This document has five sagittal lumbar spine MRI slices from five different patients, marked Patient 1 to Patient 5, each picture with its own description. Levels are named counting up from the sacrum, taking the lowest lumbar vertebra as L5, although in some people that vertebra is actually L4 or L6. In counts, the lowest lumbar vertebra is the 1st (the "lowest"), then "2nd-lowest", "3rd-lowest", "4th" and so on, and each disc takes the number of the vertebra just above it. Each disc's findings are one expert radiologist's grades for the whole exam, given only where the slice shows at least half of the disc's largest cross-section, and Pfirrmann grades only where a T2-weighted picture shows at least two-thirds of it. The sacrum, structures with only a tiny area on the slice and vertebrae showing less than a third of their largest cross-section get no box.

Patient 1 of 5:
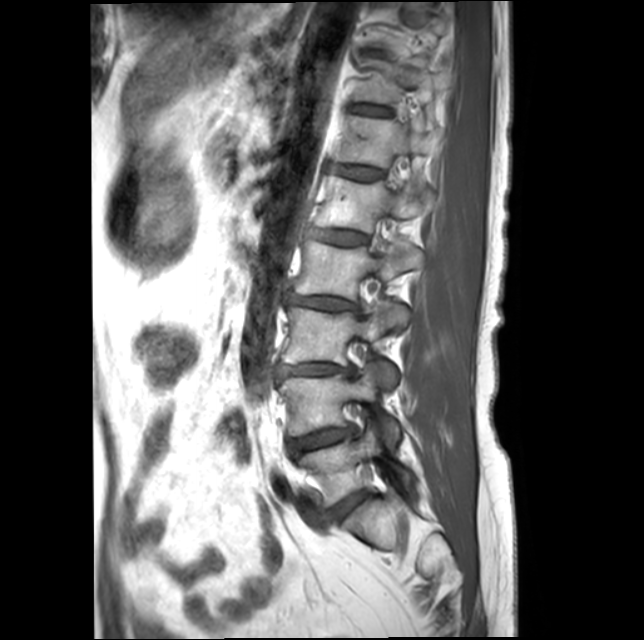 Sex F | Sagittal T1-weighted lumbar spine MRI | Field of view 310x308 mm
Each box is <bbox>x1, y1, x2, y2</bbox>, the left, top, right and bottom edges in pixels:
{"2nd-lowest disc": "<bbox>288, 427, 354, 456</bbox>", "6th vertebra": "<bbox>335, 114, 425, 192</bbox>", "lowest vertebra": "<bbox>298, 426, 410, 505</bbox>", "4th vertebra": "<bbox>293, 241, 422, 329</bbox>", "5th disc": "<bbox>314, 231, 367, 244</bbox>", "7th disc": "<bbox>353, 104, 391, 115</bbox>", "3rd-lowest disc": "<bbox>278, 364, 352, 375</bbox>", "4th disc": "<bbox>288, 295, 355, 309</bbox>", "6th disc": "<bbox>331, 165, 382, 180</bbox>", "3rd-lowest vertebra": "<bbox>281, 300, 399, 384</bbox>", "5th vertebra": "<bbox>314, 175, 419, 233</bbox>", "7th vertebra": "<bbox>353, 61, 436, 116</bbox>", "lowest disc": "<bbox>331, 491, 367, 518</bbox>", "2nd-lowest vertebra": "<bbox>279, 365, 399, 445</bbox>"}

Per-level radiological findings:
• 2nd-lowest disc: upper-endplate change, Modic type II, lower-endplate change, disc bulging
• 3rd-lowest disc: upper-endplate change, lower-endplate change, disc bulging, Modic type II, disc narrowing
• 4th disc: lower-endplate change, Modic type II, disc bulging, disc narrowing, upper-endplate change
• 5th disc: Modic type II
• 7th disc, 6th disc: no herniation, bulging, narrowing, spondylolisthesis, endplate or Modic change recorded

Patient 2 of 5:
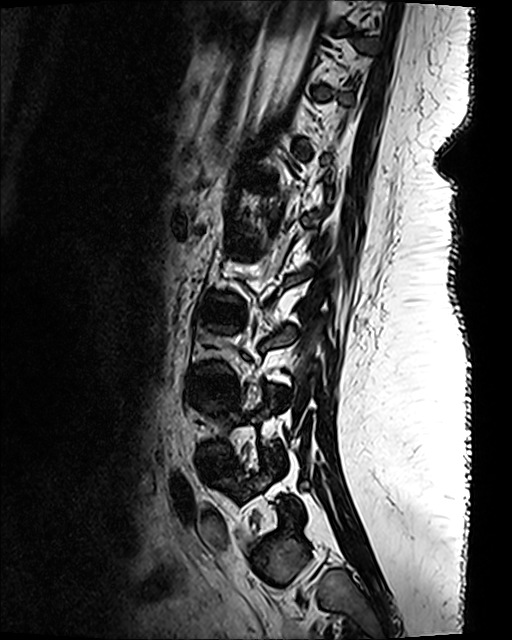 Lumbar spine MR, T2 SPACE (3D), sagittal | Patient sex: F
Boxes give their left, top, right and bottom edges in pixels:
- intervertebral disc L4/L5: left=201, top=454, right=234, bottom=475
- L4 vertebra: left=200, top=387, right=282, bottom=456
- L3/L4: left=197, top=374, right=234, bottom=395

Patient 3 of 5:
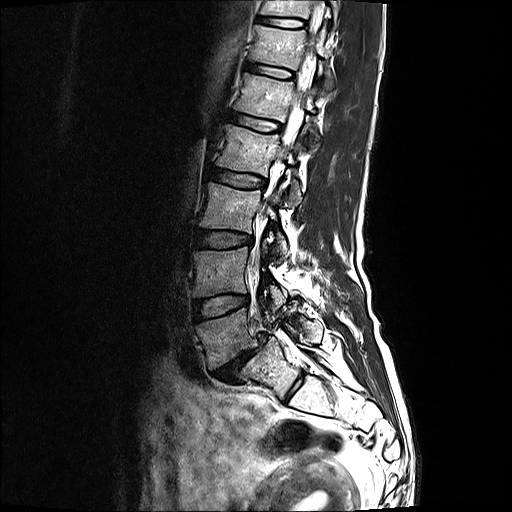 Slice 6 of 17; T2-weighted sagittal MRI of the lumbar spine; Field of view 300x300 mm, slice spacing 3.3 mm

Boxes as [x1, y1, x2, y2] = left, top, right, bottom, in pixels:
{"thecal sac / spinal canal": "[251, 0, 325, 274]", "disc L2/L3": "[210, 167, 267, 188]", "disc L3/L4": "[196, 229, 252, 248]", "L2": "[218, 125, 302, 205]", "disc L4/L5": "[192, 294, 248, 319]", "L5": "[197, 308, 323, 369]", "T12 vertebra": "[250, 23, 335, 90]", "L4 vertebra": "[195, 242, 287, 312]", "disc T12/L1": "[245, 62, 294, 78]", "T11": "[259, 0, 338, 27]", "L1 vertebra": "[236, 73, 320, 146]", "disc T11/T12": "[258, 16, 305, 27]", "L3": "[201, 182, 288, 257]", "disc L5/S1": "[212, 334, 268, 382]", "L1/L2": "[230, 112, 280, 131]"}

Per-level radiological findings:
- L4/L5: Pfirrmann grade 2
- L1/L2: Pfirrmann grade 2
- L5/S1: Pfirrmann grade 5, Modic type II, disc narrowing, spondylolisthesis, disc bulging
- L2/L3: Pfirrmann grade 2
- L3/L4: Pfirrmann grade 2
- T11/T12: Pfirrmann grade 2
- T12/L1: Pfirrmann grade 2

Patient 4 of 5:
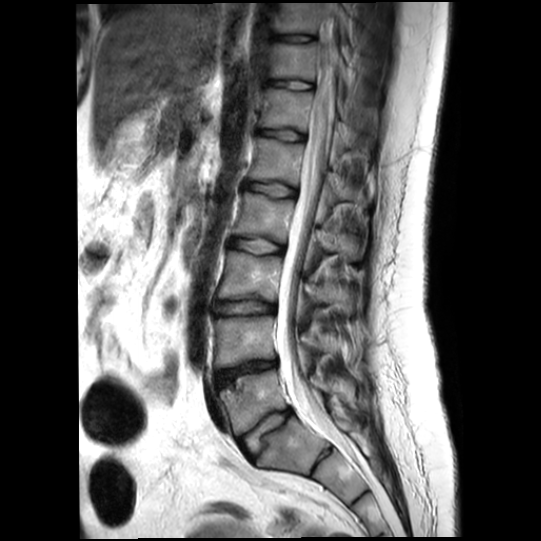

Sex F | Field of view 310x310 mm, slice spacing 4.4 mm | 541x541 px | Sagittal T2-weighted lumbar spine MRI | Slice 12/20

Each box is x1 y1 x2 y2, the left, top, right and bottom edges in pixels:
Annotations:
- 6th vertebra: 259 88 354 151
- 3rd-lowest vertebra: 218 251 362 314
- 4th disc: 230 237 283 254
- 2nd-lowest vertebra: 215 316 355 367
- 2nd-lowest disc: 217 360 277 386
- 5th disc: 245 182 296 197
- 6th disc: 259 129 304 140
- lowest disc: 239 409 292 455
- 8th disc: 278 33 315 42
- 3rd-lowest disc: 215 300 276 315
- 8th vertebra: 278 3 350 43
- 5th vertebra: 250 138 374 205
- 4th vertebra: 234 192 363 260
- lowest vertebra: 220 369 355 434
- 7th vertebra: 272 42 355 93
- spinal canal: 277 15 359 466
- 7th disc: 270 79 313 89

Degenerative findings by level:
• 5th disc: Pfirrmann grade 1, lower-endplate change
• 6th disc: Pfirrmann grade 1, lower-endplate change
• lowest disc: Pfirrmann grade 2, upper-endplate change, disc narrowing, lower-endplate change, disc bulging
• 7th disc: Pfirrmann grade 1, lower-endplate change
• 8th disc: Pfirrmann grade 1
• 2nd-lowest disc: Pfirrmann grade 5, lower-endplate change, disc narrowing, disc bulging, upper-endplate change
• 3rd-lowest disc: Pfirrmann grade 2, disc bulging, disc narrowing, lower-endplate change, upper-endplate change
• 4th disc: Pfirrmann grade 1, lower-endplate change

Patient 5 of 5:
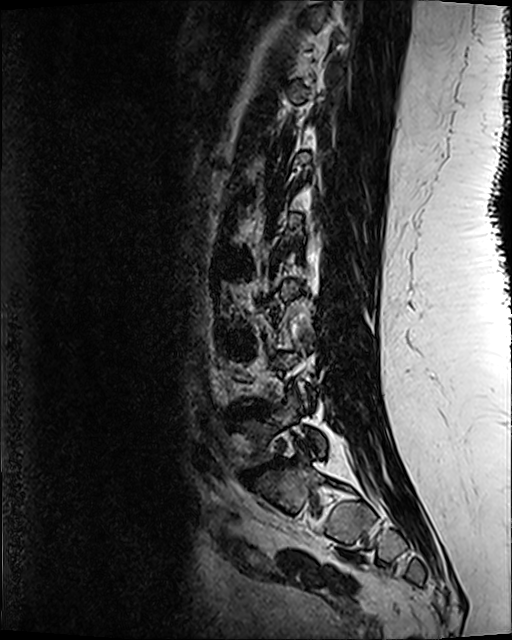 Sagittal T2 SPACE (3D) lumbar spine MRI

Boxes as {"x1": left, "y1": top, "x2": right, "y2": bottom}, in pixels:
Lowest disc — {"x1": 244, "y1": 461, "x2": 285, "y2": 480}.
4th disc — {"x1": 230, "y1": 256, "x2": 248, "y2": 268}.
Lowest vertebra — {"x1": 243, "y1": 390, "x2": 325, "y2": 464}.
2nd-lowest disc — {"x1": 240, "y1": 406, "x2": 264, "y2": 412}.
3rd-lowest disc — {"x1": 226, "y1": 335, "x2": 243, "y2": 348}.